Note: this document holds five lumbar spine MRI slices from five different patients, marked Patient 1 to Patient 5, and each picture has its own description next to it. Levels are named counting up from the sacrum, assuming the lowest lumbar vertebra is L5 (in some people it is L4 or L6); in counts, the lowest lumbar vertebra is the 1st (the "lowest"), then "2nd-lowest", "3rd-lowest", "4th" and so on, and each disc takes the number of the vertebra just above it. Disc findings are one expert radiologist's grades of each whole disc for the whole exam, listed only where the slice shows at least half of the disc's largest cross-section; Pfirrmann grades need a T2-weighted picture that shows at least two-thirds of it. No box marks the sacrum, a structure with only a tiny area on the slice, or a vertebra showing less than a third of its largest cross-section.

Patient 1 of 5:
Sex M; T2 SPACE (3D) sagittal MRI of the lumbar spine

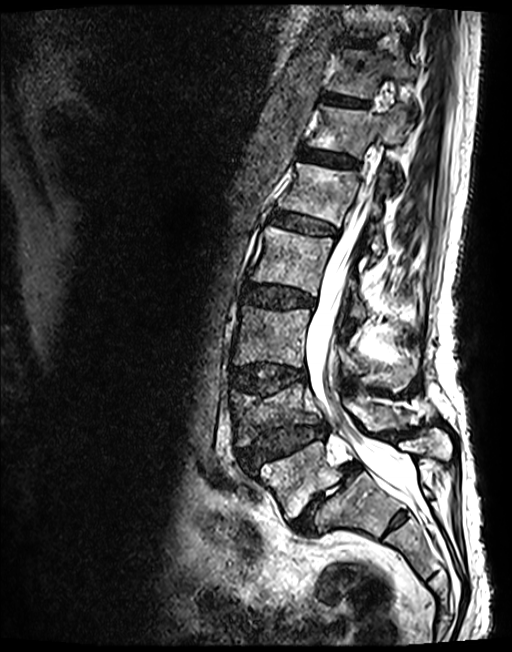 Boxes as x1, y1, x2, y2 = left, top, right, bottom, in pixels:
Disc T10/T11 (8th disc) at 348, 38, 370, 47.
T12 (6th vertebra) at 308, 105, 412, 158.
T11 (7th vertebra) at 328, 50, 417, 98.
L1 (5th vertebra) at 278, 163, 389, 261.
L4/L5 (2nd-lowest disc) at 239, 424, 325, 468.
Disc T11/T12 (7th disc) at 325, 93, 367, 107.
T12/L1 (6th disc) at 299, 149, 357, 166.
L3 (3rd-lowest vertebra) at 234, 305, 409, 388.
Spinal canal at 306, 192, 408, 495.
L5 (lowest vertebra) at 253, 429, 452, 519.
Disc L5/S1 (lowest disc) at 291, 461, 360, 535.
L4 (2nd-lowest vertebra) at 230, 384, 408, 446.
L3/L4 (3rd-lowest disc) at 230, 364, 305, 395.
L2/L3 (4th disc) at 245, 284, 314, 307.
L2 (4th vertebra) at 251, 226, 367, 319.
L1/L2 (5th disc) at 271, 212, 336, 235.

Degenerative findings by level:
• L2/L3 (4th disc): Pfirrmann grade 3, disc bulging
• L3/L4 (3rd-lowest disc): Pfirrmann grade 3, lower-endplate change, upper-endplate change, disc bulging
• T12/L1 (6th disc): Pfirrmann grade 3
• L4/L5 (2nd-lowest disc): Pfirrmann grade 3, disc herniation, upper-endplate change, spondylolisthesis, disc narrowing, lower-endplate change
• L5/S1 (lowest disc): Pfirrmann grade 5, disc narrowing, Modic type II, spondylolisthesis, disc herniation
• L1/L2 (5th disc): Pfirrmann grade 3

Patient 2 of 5:
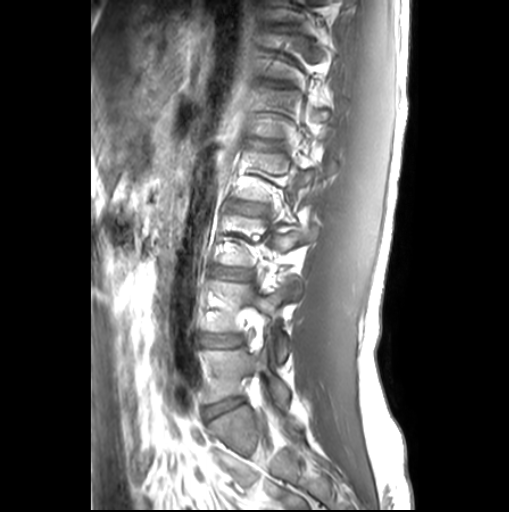
Field of view 280x281 mm, slice spacing 3.3 mm, MRI lumbar spine (T1-weighted), sagittal plane

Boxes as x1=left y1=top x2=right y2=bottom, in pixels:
Annotations:
• intervertebral disc L3/L4 — x1=218 y1=269 x2=251 y2=279
• L4/L5 — x1=204 y1=336 x2=241 y2=346
• L4 vertebra — x1=209 y1=279 x2=300 y2=362
• L5/S1 — x1=204 y1=399 x2=240 y2=417
• L5 — x1=202 y1=336 x2=288 y2=407

Patient 3 of 5:
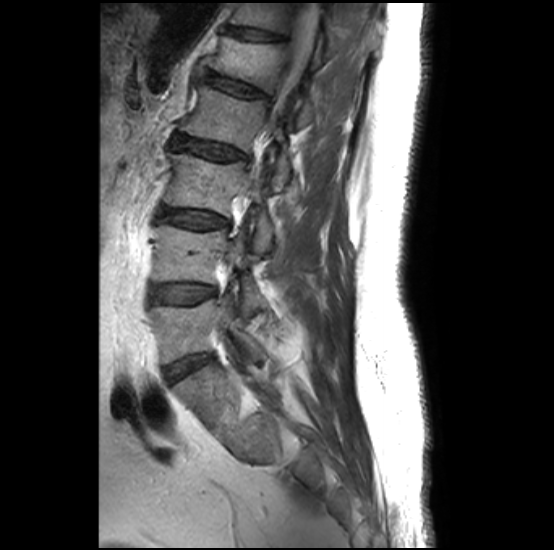

Sex M, T2-weighted sagittal MRI of the lumbar spine, Slice 21/32
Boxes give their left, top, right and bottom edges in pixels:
L3/L4 at left=162, top=208, right=229, bottom=229; L4 vertebra at left=156, top=224, right=263, bottom=314; L5 at left=149, top=300, right=263, bottom=363; L1 vertebra at left=209, top=35, right=313, bottom=126; L3 at left=164, top=152, right=273, bottom=256; L2/L3 at left=173, top=134, right=247, bottom=160; L1/L2 at left=206, top=71, right=268, bottom=97; disc L5/S1 at left=165, top=355, right=211, bottom=383; T12 vertebra at left=228, top=3, right=339, bottom=54; spinal canal at left=258, top=2, right=318, bottom=171; disc T12/L1 at left=227, top=24, right=287, bottom=41; L2 at left=180, top=86, right=289, bottom=191; disc L4/L5 at left=152, top=285, right=216, bottom=303.

Degenerative findings by level:
• T12/L1: Pfirrmann grade 2, spondylolisthesis, upper-endplate change
• L4/L5: Pfirrmann grade 1, Modic type II, lower-endplate change, upper-endplate change
• L1/L2: Pfirrmann grade 2, lower-endplate change, Modic type II, upper-endplate change
• L3/L4: Pfirrmann grade 2, upper-endplate change, lower-endplate change, Modic type II
• L2/L3: Pfirrmann grade 2, upper-endplate change, lower-endplate change, Modic type II
• L5/S1: no herniation, bulging, narrowing, spondylolisthesis, endplate or Modic change recorded

Patient 4 of 5:
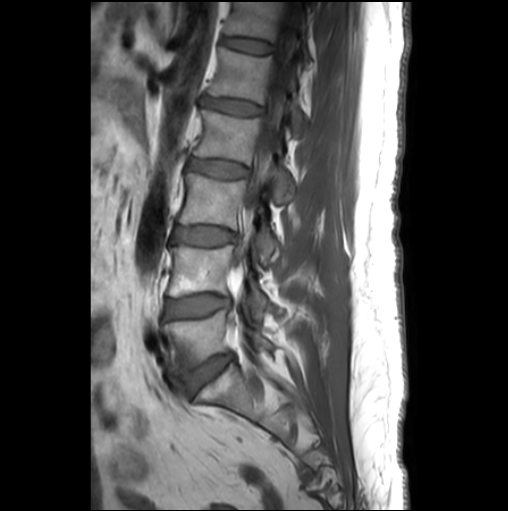 Sagittal T1-weighted lumbar spine MRI, Sagittal slice index 16, Field of view 280x281 mm, slice spacing 3.3 mm
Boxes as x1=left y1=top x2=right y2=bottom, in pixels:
Structures:
* 6th disc at x1=222 y1=36 x2=274 y2=52
* 2nd-lowest vertebra at x1=169 y1=245 x2=270 y2=317
* 2nd-lowest disc at x1=166 y1=294 x2=228 y2=317
* 4th disc at x1=188 y1=158 x2=249 y2=177
* 4th vertebra at x1=194 y1=109 x2=295 y2=202
* lowest vertebra at x1=165 y1=310 x2=271 y2=373
* 5th vertebra at x1=209 y1=47 x2=304 y2=129
* 3rd-lowest vertebra at x1=179 y1=173 x2=278 y2=257
* 5th disc at x1=204 y1=97 x2=262 y2=114
* lowest disc at x1=182 y1=354 x2=233 y2=394
* 3rd-lowest disc at x1=172 y1=226 x2=235 y2=245
* 6th vertebra at x1=225 y1=2 x2=310 y2=61
* thecal sac / spinal canal at x1=234 y1=18 x2=294 y2=278

Expert MSK radiologist gradings (per disc):
• 2nd-lowest disc: Modic type II
• lowest disc: Modic type II, disc bulging
• 6th disc, 4th disc, 3rd-lowest disc, 5th disc: no herniation, bulging, narrowing, spondylolisthesis, endplate or Modic change recorded

Patient 5 of 5:
SIEMENS Avanto_fit (1.5T) | Patient sex: F | Sagittal slice index 9 | Image 538x539 | Sagittal T1-weighted lumbar spine MRI
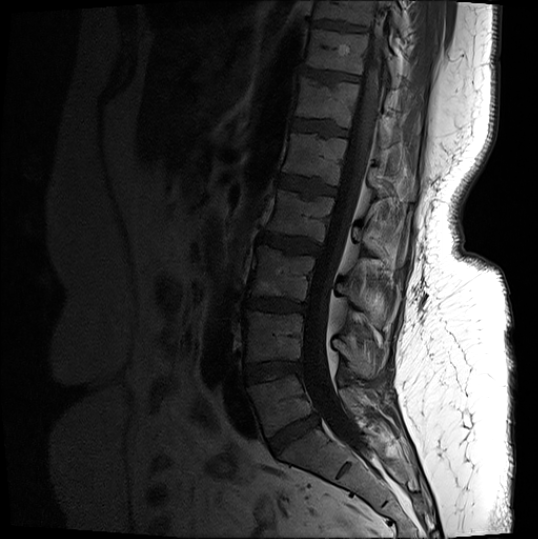 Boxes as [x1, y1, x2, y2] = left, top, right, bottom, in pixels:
T12/L1 — [292, 119, 347, 137].
L4 vertebra — [244, 311, 385, 384].
L2/L3 — [260, 232, 321, 254].
T10/T11 — [311, 20, 367, 32].
Disc T11/T12 — [301, 68, 359, 83].
L1 — [283, 133, 415, 200].
T11 vertebra — [306, 30, 400, 87].
Spinal canal — [303, 1, 386, 460].
Disc L1/L2 — [278, 175, 336, 195].
L3 — [248, 245, 385, 326].
L5 — [247, 374, 377, 436].
T12 — [297, 77, 397, 146].
L5/S1 — [268, 415, 318, 453].
T10 vertebra — [313, 1, 405, 34].
Disc L4/L5 — [244, 361, 301, 382].
Disc L3/L4 — [245, 299, 306, 311].
L2 vertebra — [266, 189, 404, 265].

Degenerative findings by level:
  L2/L3: lower-endplate change, disc bulging, upper-endplate change
  T12/L1: upper-endplate change, lower-endplate change
  L5/S1: disc narrowing, disc bulging
  L3/L4: upper-endplate change, disc bulging, disc narrowing, lower-endplate change, Modic type II
  T11/T12: upper-endplate change
  L1/L2: lower-endplate change, Modic type II, upper-endplate change
  T10/T11: lower-endplate change, upper-endplate change
  L4/L5: Modic type II, disc bulging, lower-endplate change